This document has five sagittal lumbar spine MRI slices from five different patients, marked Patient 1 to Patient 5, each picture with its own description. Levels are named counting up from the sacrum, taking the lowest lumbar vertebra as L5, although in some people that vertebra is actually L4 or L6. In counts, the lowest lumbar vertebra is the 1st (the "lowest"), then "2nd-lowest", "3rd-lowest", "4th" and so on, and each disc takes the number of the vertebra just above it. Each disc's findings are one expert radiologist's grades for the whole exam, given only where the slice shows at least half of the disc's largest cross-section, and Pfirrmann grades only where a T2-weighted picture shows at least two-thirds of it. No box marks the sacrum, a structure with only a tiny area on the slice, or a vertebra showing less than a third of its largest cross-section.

Patient 1 of 5:
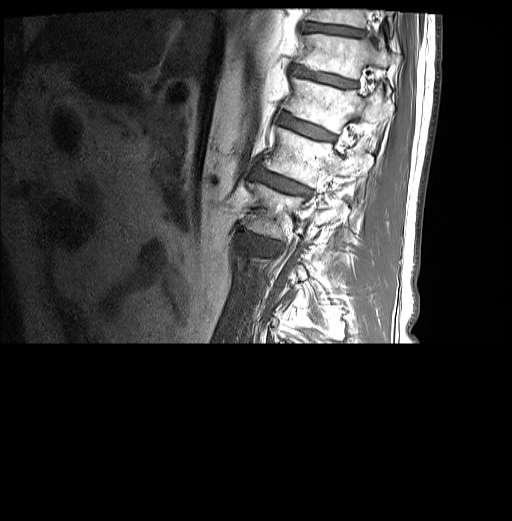
MRI lumbar spine (T1-weighted), sagittal plane; Sagittal slice index 4; Patient sex: M; 512x521 px
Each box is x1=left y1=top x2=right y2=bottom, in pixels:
Structures:
• 5th vertebra at x1=262 y1=128 x2=373 y2=185
• 7th vertebra at x1=296 y1=34 x2=399 y2=78
• 6th disc at x1=280 y1=114 x2=333 y2=140
• 8th vertebra at x1=308 y1=9 x2=366 y2=27
• 5th disc at x1=252 y1=167 x2=308 y2=193
• 8th disc at x1=306 y1=23 x2=362 y2=36
• 7th disc at x1=292 y1=65 x2=354 y2=87
• 6th vertebra at x1=285 y1=77 x2=393 y2=132
• 4th vertebra at x1=247 y1=183 x2=343 y2=237

Degenerative findings by level:
• 6th disc: lower-endplate change, Modic type II, upper-endplate change, disc bulging
• 5th disc: upper-endplate change, disc bulging, lower-endplate change, Modic type II
• 7th disc: lower-endplate change, disc bulging, upper-endplate change
• 8th disc: no herniation, bulging, narrowing, spondylolisthesis, endplate or Modic change recorded

Patient 2 of 5:
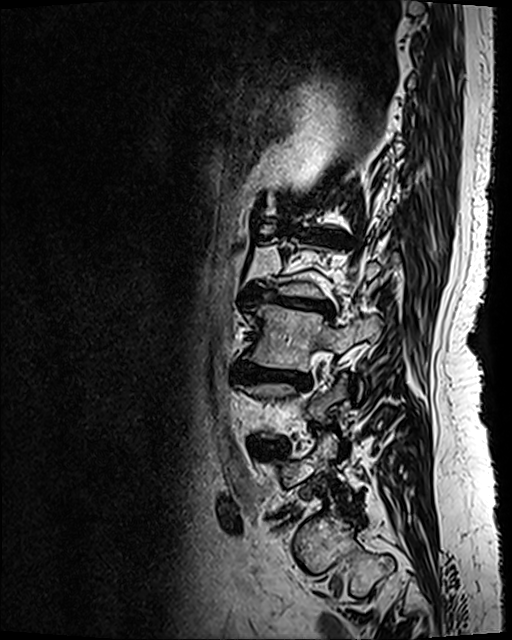 Patient sex: F; Field of view 240x300 mm, slice spacing 0.9 mm; Sagittal T2 SPACE (3D) lumbar spine MRI; Slice 87/120
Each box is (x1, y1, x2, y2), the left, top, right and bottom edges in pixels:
Annotations:
* 5th disc at (299, 229, 339, 243)
* 3rd-lowest vertebra at (244, 304, 381, 371)
* 3rd-lowest disc at (232, 364, 308, 387)
* 2nd-lowest disc at (251, 442, 284, 452)
* 4th disc at (246, 288, 331, 315)

Degenerative findings by level:
• 4th disc: Pfirrmann grade 5, Modic type II, upper-endplate change, lower-endplate change, disc narrowing, disc bulging
• 3rd-lowest disc: Pfirrmann grade 5, disc narrowing, Modic type II, lower-endplate change, disc bulging, upper-endplate change

Patient 3 of 5:
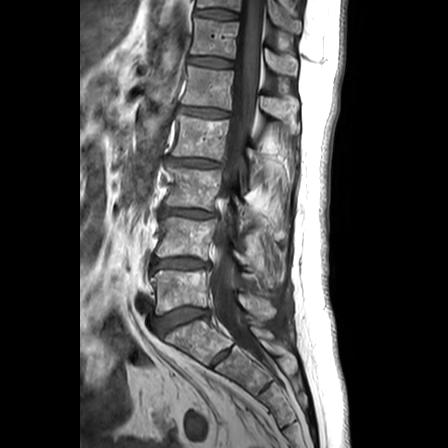 Slice 15/24 | Sagittal T1-weighted lumbar spine MRI

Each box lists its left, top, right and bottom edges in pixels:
6th vertebra at left=191, top=18, right=298, bottom=75; 6th disc at left=190, top=56, right=231, bottom=67; 7th disc at left=195, top=9, right=237, bottom=19; 3rd-lowest disc at left=162, top=207, right=217, bottom=218; 4th disc at left=169, top=158, right=223, bottom=167; 2nd-lowest disc at left=151, top=257, right=209, bottom=271; lowest vertebra at left=151, top=270, right=276, bottom=319; lowest disc at left=156, top=307, right=208, bottom=334; spinal canal at left=210, top=0, right=262, bottom=361; 5th vertebra at left=182, top=66, right=299, bottom=133; 3rd-lowest vertebra at left=165, top=167, right=285, bottom=237; 4th vertebra at left=172, top=113, right=266, bottom=186; 5th disc at left=180, top=106, right=229, bottom=117; 7th vertebra at left=198, top=0, right=301, bottom=33; 2nd-lowest vertebra at left=156, top=216, right=282, bottom=287.

Expert MSK radiologist gradings (per disc):
  4th disc: disc narrowing, disc bulging, lower-endplate change, upper-endplate change, Modic type II
  5th disc: disc narrowing, disc bulging
  3rd-lowest disc: lower-endplate change, disc bulging, Modic type II, disc narrowing, upper-endplate change
  lowest disc: lower-endplate change, Modic type II, upper-endplate change
  2nd-lowest disc: Modic type II, disc bulging, upper-endplate change, lower-endplate change
  7th disc, 6th disc: no herniation, bulging, narrowing, spondylolisthesis, endplate or Modic change recorded

Patient 4 of 5:
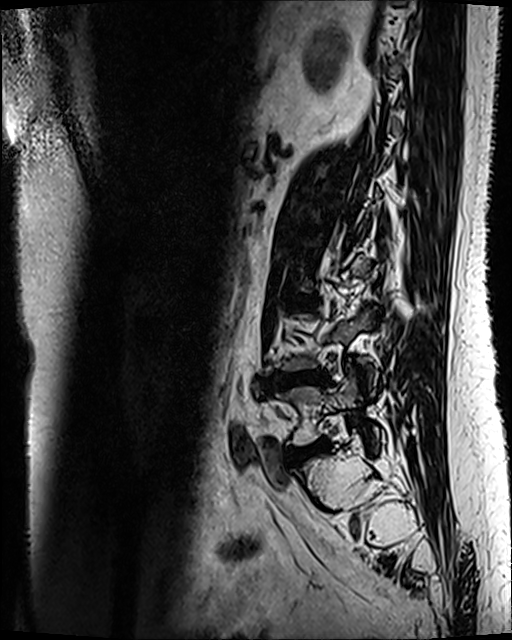 Sagittal T2 SPACE (3D) lumbar spine MRI
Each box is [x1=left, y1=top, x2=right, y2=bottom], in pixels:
Lowest disc = [x1=289, y1=442, x2=329, y2=463].
Lowest vertebra = [x1=277, y1=373, x2=382, y2=444].
3rd-lowest disc = [x1=292, y1=298, x2=312, y2=305].
2nd-lowest disc = [x1=273, y1=371, x2=328, y2=388].

Patient 5 of 5:
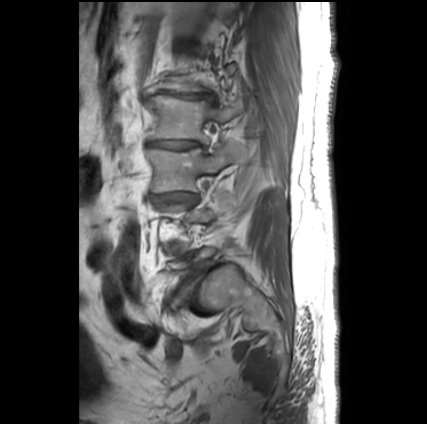
427x424 px | T1-weighted sagittal MRI of the lumbar spine | Field of view 284x281 mm, slice spacing 3.3 mm
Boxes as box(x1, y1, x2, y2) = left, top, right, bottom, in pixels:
Annotations:
• IVD L5/S1 (lowest disc): box(190, 269, 199, 279)
• L2/L3 (4th disc): box(149, 141, 199, 148)
• L2 (4th vertebra): box(143, 95, 241, 143)
• L3/L4 (3rd-lowest disc): box(152, 193, 196, 203)
• L3 (3rd-lowest vertebra): box(147, 143, 242, 192)
• IVD L1/L2 (5th disc): box(160, 90, 201, 98)

Expert MSK radiologist gradings (per disc):
- L2/L3 (4th disc): lower-endplate change, Modic type II, upper-endplate change, disc narrowing, disc bulging
- L3/L4 (3rd-lowest disc): upper-endplate change, Modic type II, lower-endplate change, disc narrowing, disc bulging
- L1/L2 (5th disc): disc narrowing, disc bulging, disc herniation, upper-endplate change, Modic type II, lower-endplate change